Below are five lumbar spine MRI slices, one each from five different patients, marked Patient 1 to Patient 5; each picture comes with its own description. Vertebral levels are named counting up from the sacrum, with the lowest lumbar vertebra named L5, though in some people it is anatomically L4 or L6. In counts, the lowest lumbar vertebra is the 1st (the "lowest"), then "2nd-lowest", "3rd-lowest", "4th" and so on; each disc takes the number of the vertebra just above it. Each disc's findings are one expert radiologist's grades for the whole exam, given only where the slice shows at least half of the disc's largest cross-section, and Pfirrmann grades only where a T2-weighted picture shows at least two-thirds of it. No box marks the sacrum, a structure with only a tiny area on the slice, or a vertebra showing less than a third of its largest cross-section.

Patient 1 of 5:
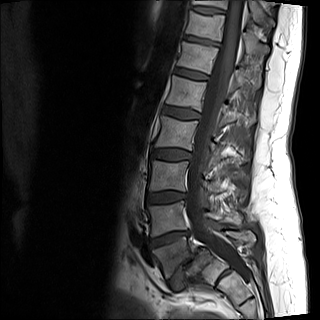 T1-weighted sagittal MRI of the lumbar spine, 320x320 px
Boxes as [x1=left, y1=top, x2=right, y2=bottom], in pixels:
IVD L1/L2 at [x1=162, y1=106, x2=200, y2=119], L3 at [x1=148, y1=160, x2=240, y2=194], L4 vertebra at [x1=146, y1=200, x2=241, y2=237], thecal sac / spinal canal at [x1=186, y1=0, x2=249, y2=281], L2 vertebra at [x1=154, y1=115, x2=222, y2=164], T11 at [x1=186, y1=11, x2=267, y2=54], L2/L3 at [x1=150, y1=148, x2=191, y2=160], IVD L5/S1 at [x1=170, y1=247, x2=203, y2=290], T11/T12 at [x1=184, y1=35, x2=220, y2=46], IVD T10/T11 at [x1=192, y1=6, x2=225, y2=13], T12 at [x1=177, y1=41, x2=261, y2=89], IVD T12/L1 at [x1=175, y1=68, x2=208, y2=80], L3/L4 at [x1=145, y1=190, x2=186, y2=204], L1 at [x1=166, y1=75, x2=256, y2=125], L5 vertebra at [x1=152, y1=230, x2=256, y2=278], T10 vertebra at [x1=192, y1=0, x2=274, y2=25], L4/L5 at [x1=149, y1=230, x2=190, y2=248].

Radiological gradings:
- L4/L5: disc herniation, upper-endplate change, lower-endplate change, disc narrowing, Modic type II
- L5/S1: disc bulging, disc narrowing, lower-endplate change, Modic type II, upper-endplate change, spondylolisthesis
- T11/T12: disc narrowing, lower-endplate change
- L1/L2: disc bulging
- T10/T11: upper-endplate change
- L2/L3: disc bulging
- L3/L4: disc bulging
- T12/L1: no herniation, bulging, narrowing, spondylolisthesis, endplate or Modic change recorded

Patient 2 of 5:
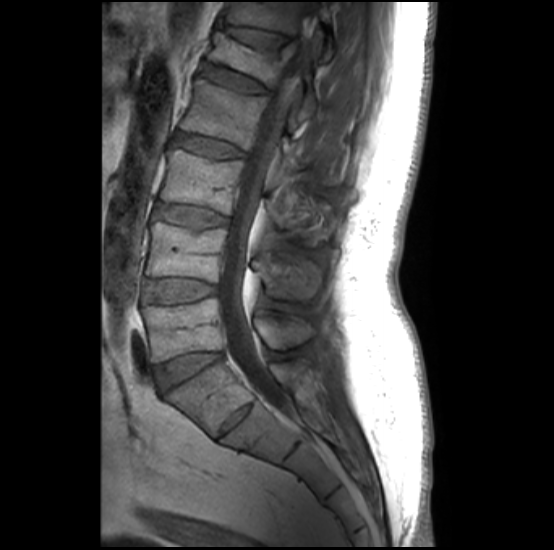 Patient sex: M, Image 554x550, MRI lumbar spine (T1-weighted), sagittal plane
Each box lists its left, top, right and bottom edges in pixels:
• disc T12/L1: left=222, top=23, right=291, bottom=45
• T12: left=225, top=2, right=331, bottom=58
• disc L4/L5: left=143, top=279, right=214, bottom=303
• thecal sac / spinal canal: left=219, top=2, right=315, bottom=406
• L2: left=181, top=77, right=338, bottom=182
• L4 vertebra: left=146, top=222, right=320, bottom=301
• disc L5/S1: left=156, top=353, right=223, bottom=390
• L1: left=209, top=29, right=321, bottom=119
• disc L3/L4: left=156, top=204, right=227, bottom=227
• L1/L2: left=203, top=63, right=268, bottom=94
• L5 vertebra: left=143, top=298, right=313, bottom=362
• L3: left=160, top=149, right=326, bottom=243
• L2/L3: left=172, top=133, right=245, bottom=158

Radiological gradings:
• T12/L1: spondylolisthesis, upper-endplate change
• L1/L2: lower-endplate change, upper-endplate change, Modic type II
• L2/L3: Modic type II, lower-endplate change, upper-endplate change
• L4/L5: Modic type II, lower-endplate change, upper-endplate change
• L3/L4: upper-endplate change, lower-endplate change, Modic type II
• L5/S1: no spondylolisthesis, narrowing, bulging, herniation, Modic or endplate change recorded

Patient 3 of 5:
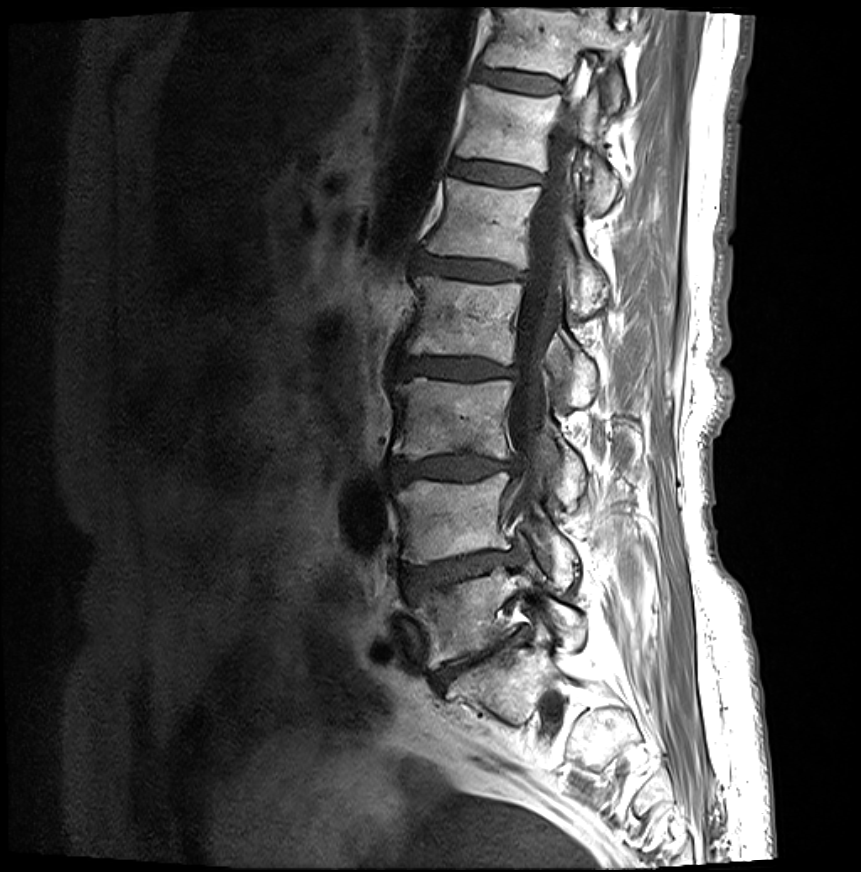

Image 861x872 | T1-weighted sagittal MRI of the lumbar spine

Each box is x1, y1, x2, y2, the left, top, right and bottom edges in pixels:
Lowest disc: 434, 633, 520, 689.
2nd-lowest disc: 402, 552, 513, 594.
5th vertebra: 427, 179, 609, 313.
2nd-lowest vertebra: 397, 473, 577, 585.
7th vertebra: 483, 8, 624, 112.
4th disc: 395, 357, 515, 379.
Lowest vertebra: 410, 560, 584, 668.
Spinal canal: 508, 102, 584, 520.
3rd-lowest vertebra: 392, 378, 586, 506.
6th disc: 452, 163, 537, 186.
6th vertebra: 457, 85, 618, 215.
4th vertebra: 405, 276, 596, 406.
7th disc: 476, 69, 557, 94.
3rd-lowest disc: 390, 455, 513, 480.
5th disc: 419, 257, 524, 280.

Degenerative findings by level:
• 4th disc: Modic type II, lower-endplate change, disc narrowing, disc bulging, upper-endplate change
• 7th disc: upper-endplate change, Modic type II, lower-endplate change
• 6th disc: lower-endplate change, upper-endplate change, Modic type II
• 2nd-lowest disc: Modic type II, upper-endplate change, disc herniation, lower-endplate change, disc bulging, disc narrowing
• 3rd-lowest disc: Modic type II, upper-endplate change, disc narrowing, disc bulging, lower-endplate change
• 5th disc: lower-endplate change, disc narrowing, disc bulging, Modic type II, upper-endplate change

Patient 4 of 5:
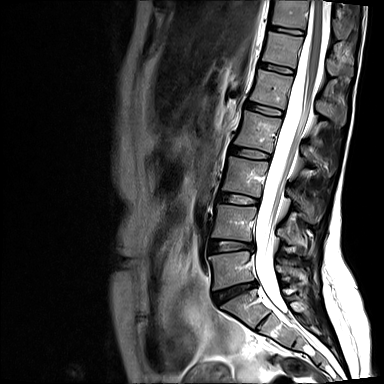 Sagittal T2-weighted lumbar spine MRI; Slice 8/15; Sex F
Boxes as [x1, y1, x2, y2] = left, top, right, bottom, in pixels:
L4/L5 = [210, 239, 251, 250] | T12/L1 = [259, 62, 294, 73] | T12 = [261, 32, 353, 74] | L1 = [251, 69, 346, 123] | L2 = [234, 110, 312, 159] | L3/L4 = [218, 193, 257, 204] | L1/L2 = [245, 101, 282, 115] | T11/T12 = [270, 25, 304, 34] | IVD L2/L3 = [230, 147, 269, 158] | L3 vertebra = [222, 157, 313, 220] | L5/S1 = [215, 283, 256, 298] | L4 vertebra = [212, 203, 298, 244] | spinal canal = [254, 0, 329, 300] | T11 = [271, 0, 344, 38] | L5 vertebra = [209, 250, 300, 288]

Expert MSK radiologist gradings (per disc):
- L3/L4: Pfirrmann grade 2
- L5/S1: Pfirrmann grade 4, disc narrowing, disc herniation, disc bulging, Modic type II
- L2/L3: Pfirrmann grade 2
- L1/L2: Pfirrmann grade 2
- T11/T12: Pfirrmann grade 2
- T12/L1: Pfirrmann grade 2
- L4/L5: Pfirrmann grade 3, disc narrowing

Patient 5 of 5:
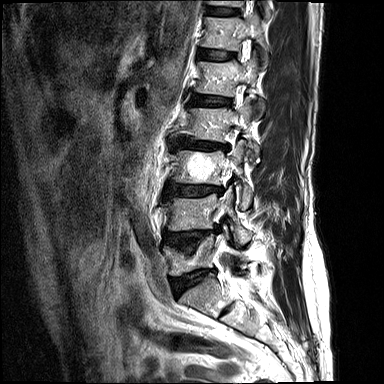 MRI lumbar spine (T2-weighted), sagittal plane. Image 384x384. Sex M.

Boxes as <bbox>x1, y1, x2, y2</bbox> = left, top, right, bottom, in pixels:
L3/L4 (3rd-lowest disc): <bbox>164, 183, 222, 197</bbox>.
Thecal sac / spinal canal: <bbox>219, 165, 251, 297</bbox>.
T11 (7th vertebra): <bbox>209, 0, 270, 17</bbox>.
L1 (5th vertebra): <bbox>194, 54, 264, 115</bbox>.
L4 (2nd-lowest vertebra): <bbox>163, 190, 251, 243</bbox>.
T12 (6th vertebra): <bbox>200, 12, 267, 63</bbox>.
L5/S1 (lowest disc): <bbox>171, 269, 215, 293</bbox>.
L5 (lowest vertebra): <bbox>164, 234, 247, 275</bbox>.
L2/L3 (4th disc): <bbox>173, 137, 228, 150</bbox>.
L4/L5 (2nd-lowest disc): <bbox>165, 229, 217, 253</bbox>.
T12/L1 (6th disc): <bbox>198, 48, 236, 60</bbox>.
L2 (4th vertebra): <bbox>176, 98, 259, 156</bbox>.
Intervertebral disc L1/L2 (5th disc): <bbox>190, 93, 231, 106</bbox>.
Intervertebral disc T11/T12 (7th disc): <bbox>206, 6, 239, 16</bbox>.
L3 (3rd-lowest vertebra): <bbox>172, 140, 252, 209</bbox>.

Expert MSK radiologist gradings (per disc):
• L4/L5 (2nd-lowest disc): Pfirrmann grade 4, lower-endplate change, disc bulging, upper-endplate change
• L1/L2 (5th disc): Pfirrmann grade 3, upper-endplate change, lower-endplate change, disc bulging
• T11/T12 (7th disc): Pfirrmann grade 2
• L3/L4 (3rd-lowest disc): Pfirrmann grade 3, lower-endplate change, upper-endplate change, disc bulging
• L2/L3 (4th disc): Pfirrmann grade 3, disc narrowing, lower-endplate change, disc bulging, upper-endplate change
• L5/S1 (lowest disc): disc narrowing, upper-endplate change, disc bulging, lower-endplate change
• T12/L1 (6th disc): Pfirrmann grade 2, upper-endplate change, lower-endplate change